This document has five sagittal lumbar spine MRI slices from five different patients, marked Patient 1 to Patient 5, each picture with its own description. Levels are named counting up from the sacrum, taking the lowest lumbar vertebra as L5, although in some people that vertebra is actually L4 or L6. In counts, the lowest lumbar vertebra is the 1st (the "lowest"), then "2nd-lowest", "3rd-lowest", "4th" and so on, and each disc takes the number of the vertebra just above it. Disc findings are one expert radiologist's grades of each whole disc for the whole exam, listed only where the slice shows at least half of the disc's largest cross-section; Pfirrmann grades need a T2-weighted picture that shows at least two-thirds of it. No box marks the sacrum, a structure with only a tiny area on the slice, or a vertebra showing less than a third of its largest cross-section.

Patient 1 of 5:
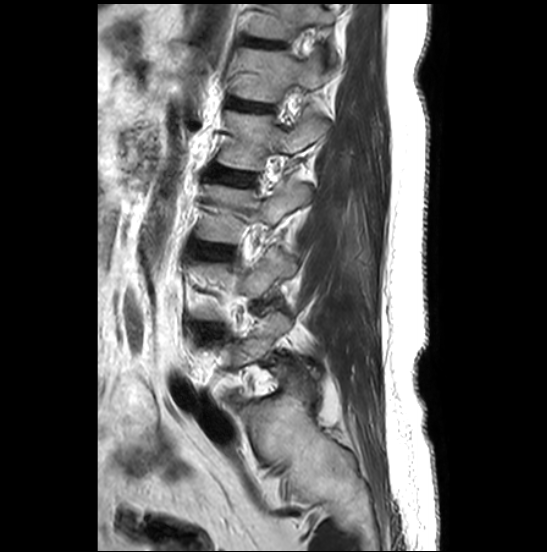

Slice 21 of 27 | Patient sex: F | T2-weighted sagittal MRI of the lumbar spine

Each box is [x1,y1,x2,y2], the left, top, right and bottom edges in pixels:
6th vertebra — [247,3,336,62].
3rd-lowest vertebra — [197,178,310,243].
4th disc — [211,167,253,185].
4th vertebra — [217,109,326,170].
5th disc — [228,100,271,110].
2nd-lowest vertebra — [195,253,297,319].
6th disc — [244,37,284,47].
5th vertebra — [235,44,324,102].
3rd-lowest disc — [202,247,230,258].

Per-level radiological findings:
- 6th disc: lower-endplate change, upper-endplate change
- 4th disc: no herniation, bulging, narrowing, spondylolisthesis, endplate or Modic change recorded

Patient 2 of 5:
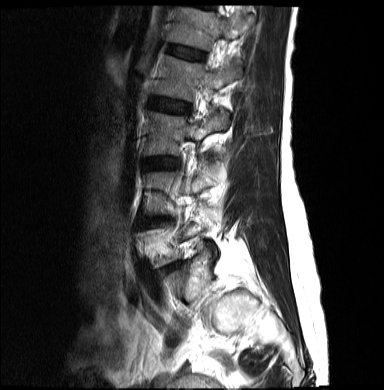 MRI lumbar spine (T2-weighted), sagittal plane, Sex F, Sagittal slice index 3
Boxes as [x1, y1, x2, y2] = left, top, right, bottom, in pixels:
4th disc: [149, 96, 187, 112] | 4th vertebra: [152, 56, 241, 100] | 5th vertebra: [167, 7, 252, 50] | 3rd-lowest vertebra: [143, 111, 228, 155] | 3rd-lowest disc: [143, 156, 178, 169] | 5th disc: [167, 45, 205, 61]

Expert MSK radiologist gradings (per disc):
- 4th disc: Pfirrmann grade 2
- 5th disc: Pfirrmann grade 2
- 3rd-lowest disc: no Modic or endplate change, herniation, narrowing, bulging or spondylolisthesis recorded

Patient 3 of 5:
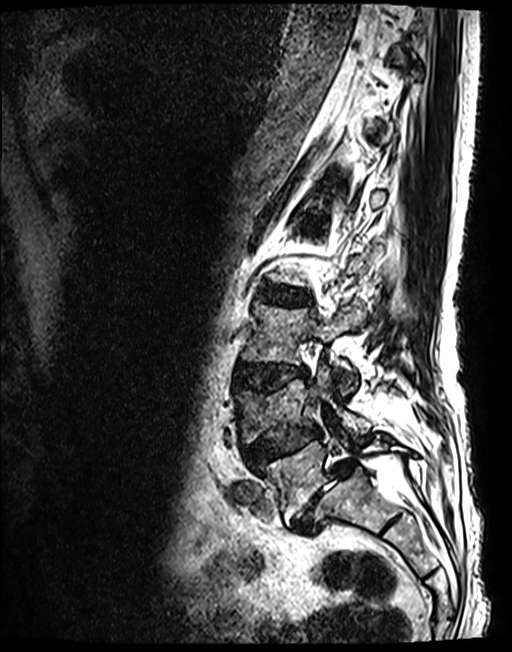

Image 512x652 | T2 SPACE (3D) sagittal MRI of the lumbar spine
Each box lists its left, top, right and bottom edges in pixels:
Lowest disc: left=291, top=462, right=352, bottom=533.
4th disc: left=259, top=286, right=311, bottom=305.
3rd-lowest vertebra: left=243, top=305, right=363, bottom=388.
3rd-lowest disc: left=236, top=364, right=306, bottom=389.
Lowest vertebra: left=260, top=435, right=409, bottom=523.
2nd-lowest vertebra: left=236, top=370, right=369, bottom=443.
2nd-lowest disc: left=244, top=428, right=319, bottom=464.

Degenerative findings by level:
  lowest disc: Pfirrmann grade 5, spondylolisthesis, disc narrowing, disc herniation, Modic type II
  4th disc: disc bulging
  2nd-lowest disc: Pfirrmann grade 3, upper-endplate change, lower-endplate change, spondylolisthesis, disc herniation, disc narrowing
  3rd-lowest disc: Pfirrmann grade 3, upper-endplate change, disc bulging, lower-endplate change

Patient 4 of 5:
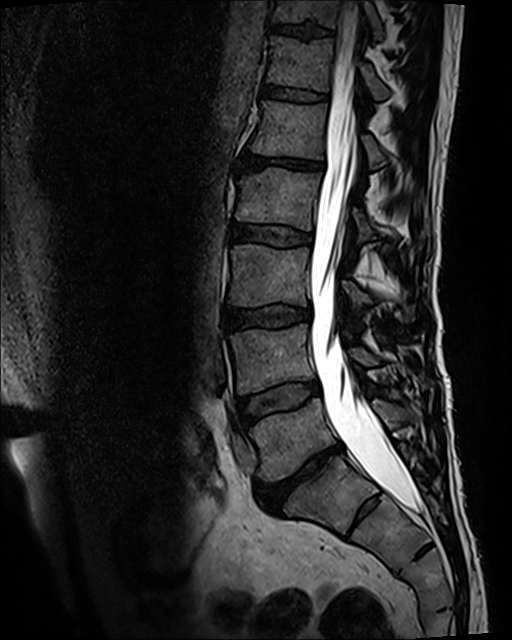 Field of view 240x300 mm, slice spacing 0.9 mm. T2 SPACE (3D) sagittal MRI of the lumbar spine. Slice 55/120.
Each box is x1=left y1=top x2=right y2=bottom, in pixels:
{"6th disc": "x1=261 y1=81 x2=326 y2=101", "7th vertebra": "x1=273 y1=0 x2=382 y2=39", "5th disc": "x1=239 y1=153 x2=322 y2=170", "4th vertebra": "x1=236 y1=168 x2=373 y2=244", "6th vertebra": "x1=267 y1=37 x2=391 y2=99", "3rd-lowest disc": "x1=226 y1=308 x2=310 y2=329", "5th vertebra": "x1=250 y1=100 x2=386 y2=168", "7th disc": "x1=271 y1=24 x2=332 y2=37", "2nd-lowest vertebra": "x1=230 y1=323 x2=378 y2=393", "4th disc": "x1=230 y1=223 x2=312 y2=245", "2nd-lowest disc": "x1=240 y1=382 x2=318 y2=425", "lowest vertebra": "x1=249 y1=398 x2=409 y2=482", "lowest disc": "x1=257 y1=443 x2=343 y2=510", "3rd-lowest vertebra": "x1=229 y1=244 x2=412 y2=313", "thecal sac / spinal canal": "x1=309 y1=0 x2=420 y2=512"}

Per-level radiological findings:
• 6th disc: Pfirrmann grade 3
• 2nd-lowest disc: Pfirrmann grade 3, Modic type II
• 3rd-lowest disc: Pfirrmann grade 3, disc bulging, upper-endplate change, lower-endplate change
• lowest disc: Pfirrmann grade 5, lower-endplate change, Modic type II, disc narrowing, upper-endplate change, disc bulging
• 7th disc: Pfirrmann grade 3, upper-endplate change, lower-endplate change
• 4th disc: Pfirrmann grade 3
• 5th disc: Pfirrmann grade 5, disc bulging, disc narrowing, lower-endplate change, Modic type II, upper-endplate change

Patient 5 of 5:
Sex F. T2-weighted sagittal MRI of the lumbar spine. 384x384 px. Slice 4/15. 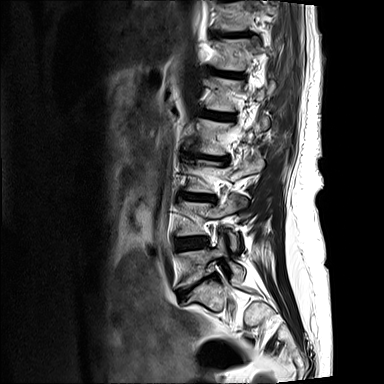

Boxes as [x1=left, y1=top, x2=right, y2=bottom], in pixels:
6th disc: [x1=210, y1=68, x2=243, y2=78]
6th vertebra: [x1=214, y1=39, x2=269, y2=70]
7th vertebra: [x1=218, y1=4, x2=279, y2=30]
7th disc: [x1=213, y1=31, x2=248, y2=38]
5th vertebra: [x1=207, y1=77, x2=265, y2=111]
4th disc: [x1=185, y1=151, x2=228, y2=162]
2nd-lowest vertebra: [x1=177, y1=193, x2=247, y2=249]
5th disc: [x1=202, y1=110, x2=235, y2=121]
2nd-lowest disc: [x1=175, y1=237, x2=206, y2=250]
lowest vertebra: [x1=178, y1=237, x2=244, y2=287]
lowest disc: [x1=178, y1=274, x2=215, y2=298]
4th vertebra: [x1=188, y1=118, x2=269, y2=154]
3rd-lowest disc: [x1=180, y1=192, x2=215, y2=201]

Radiological gradings:
  4th disc: Pfirrmann grade 5, Modic type III, lower-endplate change, disc bulging, disc narrowing, upper-endplate change
  lowest disc: Modic type II, lower-endplate change, disc narrowing, upper-endplate change, disc bulging
  3rd-lowest disc: upper-endplate change, disc narrowing, lower-endplate change, Modic type II, disc bulging
  7th disc: Pfirrmann grade 3, Modic type II, disc bulging, upper-endplate change, lower-endplate change, disc narrowing
  2nd-lowest disc: Modic type II, lower-endplate change, disc bulging, upper-endplate change
  5th disc: lower-endplate change, disc bulging, upper-endplate change, Modic type II
  6th disc: disc narrowing, disc bulging, upper-endplate change, Modic type III, lower-endplate change